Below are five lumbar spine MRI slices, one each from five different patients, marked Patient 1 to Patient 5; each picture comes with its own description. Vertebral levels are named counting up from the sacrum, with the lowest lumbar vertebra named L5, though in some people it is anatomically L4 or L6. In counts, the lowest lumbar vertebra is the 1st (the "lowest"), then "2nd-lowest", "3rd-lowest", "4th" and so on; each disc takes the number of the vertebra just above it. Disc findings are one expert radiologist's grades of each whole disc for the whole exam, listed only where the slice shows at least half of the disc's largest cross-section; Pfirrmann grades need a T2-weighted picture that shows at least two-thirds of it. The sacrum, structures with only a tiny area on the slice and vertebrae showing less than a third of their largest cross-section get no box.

Patient 1 of 5:
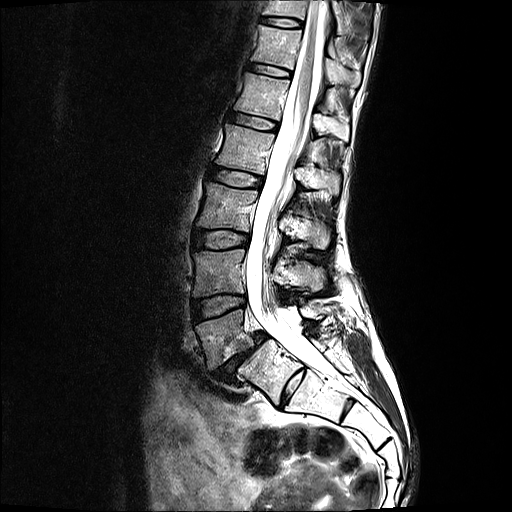 Lumbar spine MR, T2-weighted, sagittal. Field of view 300x300 mm, slice spacing 3.3 mm. 512x512 px.

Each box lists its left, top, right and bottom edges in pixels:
5th disc: left=230, top=113, right=279, bottom=130
6th vertebra: left=252, top=25, right=362, bottom=85
spinal canal: left=247, top=0, right=333, bottom=376
4th disc: left=211, top=166, right=264, bottom=187
lowest vertebra: left=196, top=298, right=336, bottom=389
3rd-lowest disc: left=194, top=229, right=250, bottom=247
4th vertebra: left=217, top=124, right=341, bottom=193
7th disc: left=263, top=16, right=303, bottom=26
2nd-lowest vertebra: left=195, top=249, right=323, bottom=296
5th vertebra: left=236, top=72, right=350, bottom=140
lowest disc: left=211, top=332, right=268, bottom=381
7th vertebra: left=264, top=0, right=342, bottom=30
3rd-lowest vertebra: left=199, top=182, right=332, bottom=248
2nd-lowest disc: left=193, top=294, right=247, bottom=320
6th disc: left=249, top=62, right=292, bottom=76

Per-level radiological findings:
• 3rd-lowest disc: Pfirrmann grade 2
• 5th disc: Pfirrmann grade 2
• 7th disc: Pfirrmann grade 2
• lowest disc: Pfirrmann grade 5, disc narrowing, disc bulging, Modic type II, spondylolisthesis
• 4th disc: Pfirrmann grade 2
• 2nd-lowest disc: Pfirrmann grade 2
• 6th disc: Pfirrmann grade 2

Patient 2 of 5:
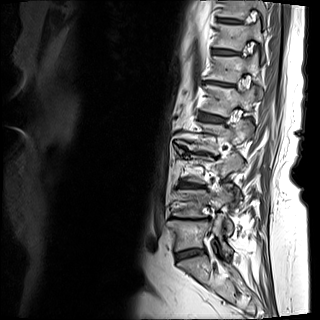 T1-weighted sagittal MRI of the lumbar spine | Slice 4 of 15
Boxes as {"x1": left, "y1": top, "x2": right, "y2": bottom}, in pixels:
L2 at {"x1": 179, "y1": 123, "x2": 253, "y2": 153}, L1/L2 at {"x1": 200, "y1": 113, "x2": 224, "y2": 122}, T10 at {"x1": 218, "y1": 0, "x2": 267, "y2": 22}, T12 vertebra at {"x1": 204, "y1": 56, "x2": 260, "y2": 82}, L5 vertebra at {"x1": 168, "y1": 216, "x2": 232, "y2": 255}, T11 vertebra at {"x1": 215, "y1": 20, "x2": 263, "y2": 50}, L2/L3 at {"x1": 187, "y1": 151, "x2": 207, "y2": 154}, L3/L4 at {"x1": 184, "y1": 184, "x2": 200, "y2": 187}, L5/S1 at {"x1": 176, "y1": 249, "x2": 205, "y2": 259}, intervertebral disc T11/T12 at {"x1": 215, "y1": 49, "x2": 236, "y2": 54}, T10/T11 at {"x1": 219, "y1": 19, "x2": 239, "y2": 22}, L1 vertebra at {"x1": 202, "y1": 85, "x2": 261, "y2": 116}, T12/L1 at {"x1": 204, "y1": 81, "x2": 233, "y2": 86}, L4 at {"x1": 173, "y1": 185, "x2": 233, "y2": 235}.

Expert MSK radiologist gradings (per disc):
  L1/L2: upper-endplate change, disc bulging, lower-endplate change
  L5/S1: upper-endplate change, disc narrowing, Modic type II, disc bulging, lower-endplate change
  T12/L1: upper-endplate change, Modic type II, lower-endplate change, disc narrowing, disc bulging
  T11/T12: no Modic or endplate change, herniation, narrowing, bulging or spondylolisthesis recorded

Patient 3 of 5:
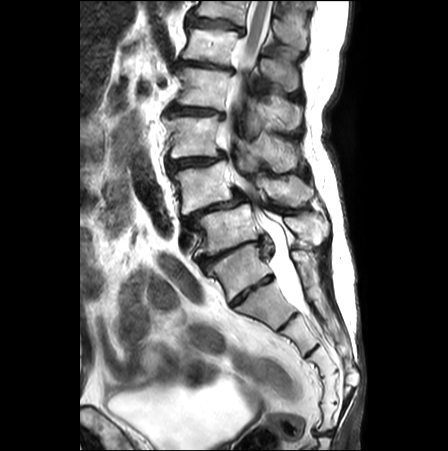
Patient sex: F; T2-weighted sagittal MRI of the lumbar spine

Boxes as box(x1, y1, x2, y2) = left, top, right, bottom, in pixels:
4th vertebra at box(176, 66, 301, 138); 2nd-lowest disc at box(184, 189, 249, 228); 6th disc at box(186, 13, 244, 34); thecal sac / spinal canal at box(219, 0, 303, 304); lowest disc at box(198, 236, 262, 267); 6th vertebra at box(192, 1, 308, 50); 2nd-lowest vertebra at box(171, 160, 312, 213); 5th vertebra at box(183, 28, 299, 90); 3rd-lowest disc at box(166, 153, 225, 172); 3rd-lowest vertebra at box(163, 114, 299, 172); 4th disc at box(168, 104, 225, 118); lowest vertebra at box(199, 203, 313, 254); 5th disc at box(174, 61, 234, 72).

Radiological gradings:
• 6th disc: Pfirrmann grade 4, disc bulging, upper-endplate change, lower-endplate change
• lowest disc: Pfirrmann grade 5, disc bulging, disc herniation, upper-endplate change, Modic type II, disc narrowing, lower-endplate change
• 3rd-lowest disc: Pfirrmann grade 4, upper-endplate change, lower-endplate change, disc bulging, disc narrowing, Modic type II, spondylolisthesis
• 4th disc: Pfirrmann grade 4, disc narrowing, spondylolisthesis, Modic type II, disc bulging, lower-endplate change, upper-endplate change
• 5th disc: Pfirrmann grade 5, lower-endplate change, disc bulging, disc narrowing
• 2nd-lowest disc: Pfirrmann grade 5, upper-endplate change, disc bulging, spondylolisthesis, disc herniation, lower-endplate change, disc narrowing, Modic type II

Patient 4 of 5:
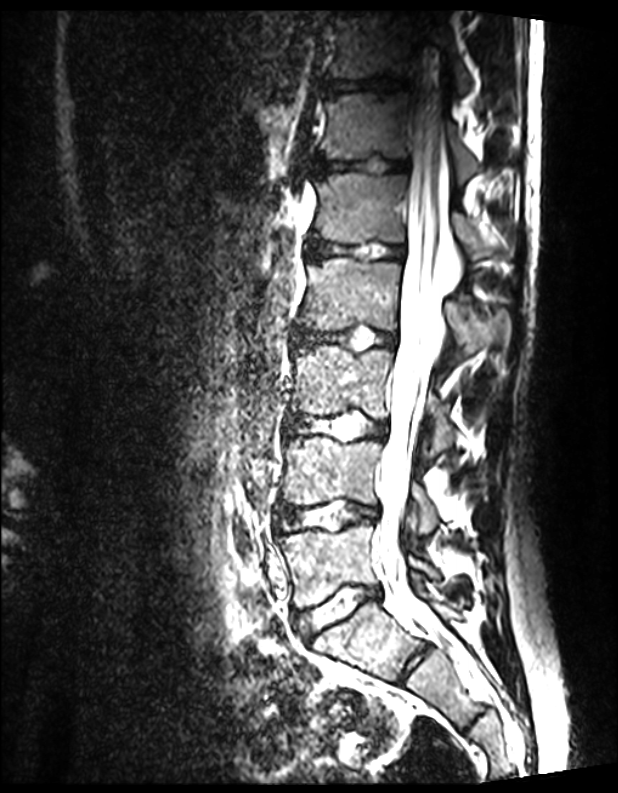 Image 618x793; T2 SPACE (3D) sagittal MRI of the lumbar spine; Sagittal slice index 74

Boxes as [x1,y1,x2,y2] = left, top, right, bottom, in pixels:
T12/L1 at [313,159,406,175].
Spinal canal at [371,38,450,634].
L2 at [298,257,511,359].
L4/L5 at [278,502,377,532].
L2/L3 at [293,326,396,348].
L4 at [282,437,439,533].
T12 at [321,92,478,179].
Intervertebral disc T11/T12 at [322,77,404,93].
L1/L2 at [307,237,404,260].
L3/L4 at [287,414,387,439].
L3 at [292,345,452,456].
L1 at [313,173,513,260].
L5/S1 at [298,586,379,639].
T11 at [329,11,470,95].
L5 at [279,522,436,606].

Degenerative findings by level:
  T12/L1: Pfirrmann grade 1
  L3/L4: Pfirrmann grade 1
  L2/L3: Pfirrmann grade 1
  L5/S1: Pfirrmann grade 1
  L1/L2: Pfirrmann grade 1
  L4/L5: Pfirrmann grade 1
  T11/T12: Pfirrmann grade 1

Patient 5 of 5:
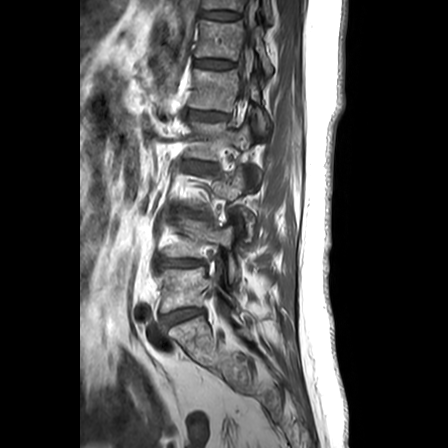 MRI lumbar spine (T1-weighted), sagittal plane. 448x448 px. Sex F. Slice 18 of 24.

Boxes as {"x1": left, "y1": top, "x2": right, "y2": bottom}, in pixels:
- 7th disc: {"x1": 201, "y1": 10, "x2": 240, "y2": 20}
- 5th vertebra: {"x1": 189, "y1": 69, "x2": 268, "y2": 131}
- 2nd-lowest vertebra: {"x1": 165, "y1": 219, "x2": 241, "y2": 281}
- lowest vertebra: {"x1": 157, "y1": 262, "x2": 240, "y2": 312}
- 6th disc: {"x1": 196, "y1": 58, "x2": 234, "y2": 68}
- 5th disc: {"x1": 187, "y1": 109, "x2": 228, "y2": 120}
- 6th vertebra: {"x1": 196, "y1": 20, "x2": 272, "y2": 76}
- 2nd-lowest disc: {"x1": 158, "y1": 258, "x2": 203, "y2": 270}
- 4th disc: {"x1": 185, "y1": 161, "x2": 210, "y2": 169}
- 4th vertebra: {"x1": 186, "y1": 121, "x2": 258, "y2": 172}
- lowest disc: {"x1": 161, "y1": 308, "x2": 202, "y2": 328}
- 7th vertebra: {"x1": 202, "y1": 0, "x2": 272, "y2": 23}

Degenerative findings by level:
  2nd-lowest disc: lower-endplate change, disc bulging, Modic type II, upper-endplate change
  5th disc: disc bulging, disc narrowing
  lowest disc: upper-endplate change, lower-endplate change, Modic type II
  6th disc, 7th disc: no Modic or endplate change, herniation, narrowing, bulging or spondylolisthesis recorded